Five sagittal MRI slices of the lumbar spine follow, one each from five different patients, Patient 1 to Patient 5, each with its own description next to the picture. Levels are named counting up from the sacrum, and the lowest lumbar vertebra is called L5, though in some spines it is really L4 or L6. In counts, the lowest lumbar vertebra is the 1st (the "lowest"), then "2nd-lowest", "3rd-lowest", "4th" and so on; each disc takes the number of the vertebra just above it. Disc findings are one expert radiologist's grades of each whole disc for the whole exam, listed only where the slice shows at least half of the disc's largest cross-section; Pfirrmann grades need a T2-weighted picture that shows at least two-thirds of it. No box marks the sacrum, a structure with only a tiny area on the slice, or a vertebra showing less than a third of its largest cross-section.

Patient 1 of 5:
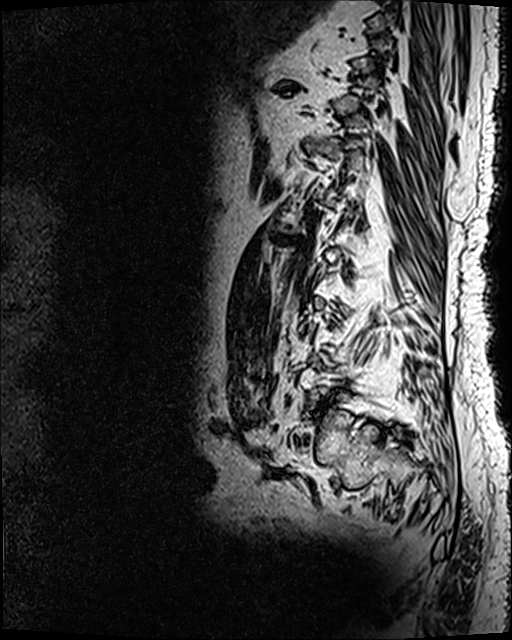 Lumbar spine MR, T2 SPACE (3D), sagittal

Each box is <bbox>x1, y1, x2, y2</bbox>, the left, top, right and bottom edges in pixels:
L1/L2 (5th disc) — <bbox>265, 231, 302, 245</bbox>.
T10/T11 (8th disc) — <bbox>278, 86, 295, 91</bbox>.

Patient 2 of 5:
Sagittal T1-weighted lumbar spine MRI; Sex M; 548x553 px
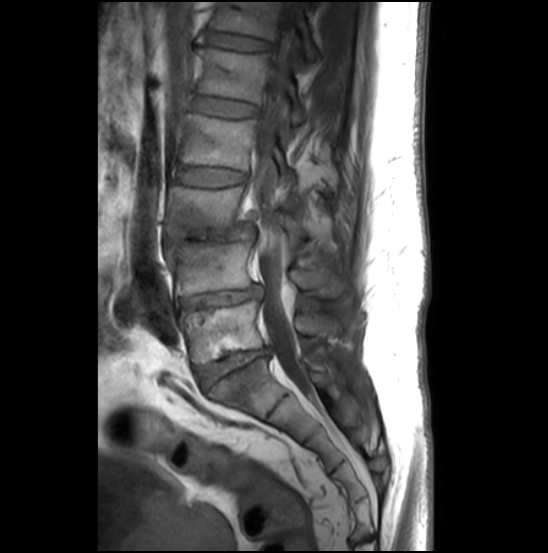 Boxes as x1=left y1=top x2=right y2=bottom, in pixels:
Intervertebral disc L2/L3 (4th disc) at x1=176 y1=168 x2=245 y2=186, L3/L4 (3rd-lowest disc) at x1=164 y1=223 x2=255 y2=250, intervertebral disc L4/L5 (2nd-lowest disc) at x1=180 y1=285 x2=262 y2=310, L1 (5th vertebra) at x1=198 y1=48 x2=307 y2=124, L4 (2nd-lowest vertebra) at x1=168 y1=242 x2=343 y2=296, L5 (lowest vertebra) at x1=181 y1=301 x2=338 y2=364, L3 (3rd-lowest vertebra) at x1=166 y1=186 x2=306 y2=243, L2 (4th vertebra) at x1=179 y1=114 x2=298 y2=199, L1/L2 (5th disc) at x1=193 y1=96 x2=257 y2=118, T12/L1 (6th disc) at x1=208 y1=32 x2=270 y2=50, intervertebral disc L5/S1 (lowest disc) at x1=197 y1=348 x2=268 y2=389, T12 (6th vertebra) at x1=211 y1=2 x2=320 y2=60, spinal canal at x1=250 y1=2 x2=304 y2=386.

Degenerative findings by level:
• L4/L5 (2nd-lowest disc): upper-endplate change, disc narrowing, disc bulging, Modic type II, lower-endplate change
• L5/S1 (lowest disc): upper-endplate change, Modic type II, disc bulging, disc narrowing, lower-endplate change
• L3/L4 (3rd-lowest disc): disc narrowing, disc herniation, upper-endplate change, spondylolisthesis, Modic type II, lower-endplate change
• L1/L2 (5th disc), L2/L3 (4th disc), T12/L1 (6th disc): no spondylolisthesis, narrowing, bulging, herniation, Modic or endplate change recorded

Patient 3 of 5:
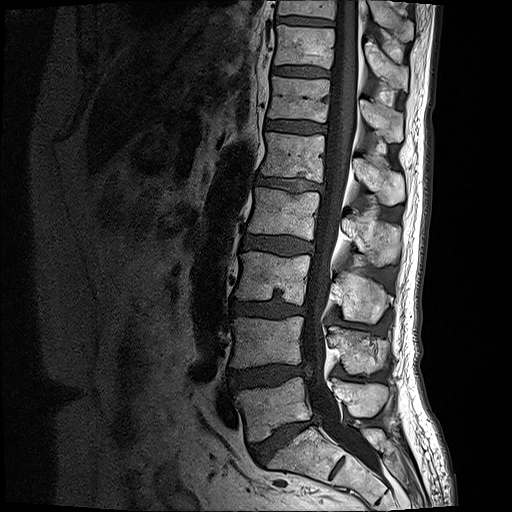 Lumbar spine MR, T1-weighted, sagittal
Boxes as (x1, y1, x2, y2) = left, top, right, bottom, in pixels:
{"L1": "(261, 131, 404, 204)", "intervertebral disc L3/L4": "(229, 300, 306, 318)", "intervertebral disc L4/L5": "(228, 363, 310, 390)", "L4 vertebra": "(231, 316, 388, 375)", "T11/T12": "(273, 67, 329, 76)", "T10/T11": "(276, 15, 332, 26)", "L1/L2": "(254, 175, 322, 190)", "intervertebral disc L2/L3": "(241, 233, 312, 255)", "L3": "(234, 251, 389, 322)", "intervertebral disc T12/L1": "(265, 121, 324, 133)", "intervertebral disc L5/S1": "(249, 416, 320, 465)", "T11": "(273, 25, 408, 90)", "T10 vertebra": "(277, 0, 413, 42)", "L5 vertebra": "(235, 377, 384, 441)", "thecal sac / spinal canal": "(302, 1, 376, 469)", "T12": "(268, 76, 403, 142)", "L2": "(249, 187, 400, 265)"}

Per-level radiological findings:
• L4/L5: disc bulging, disc herniation
• L5/S1: lower-endplate change, disc bulging, Modic type II, disc narrowing
• L3/L4: lower-endplate change, disc narrowing, Modic type II, disc bulging
• L1/L2: lower-endplate change, disc narrowing, disc bulging, Modic type II, upper-endplate change
• L2/L3: disc bulging
• T11/T12, T12/L1: no spondylolisthesis, narrowing, bulging, herniation, Modic or endplate change recorded

Patient 4 of 5:
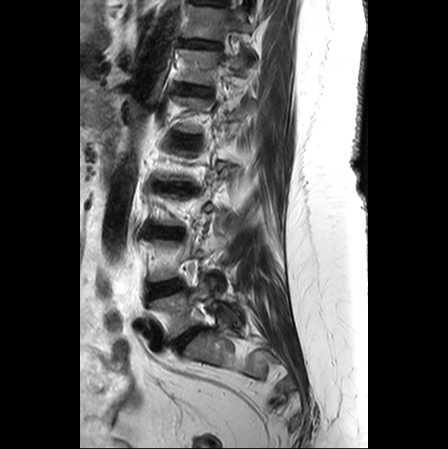 Lumbar spine MR, T2-weighted, sagittal; Sagittal slice index 17; Field of view 280x281 mm

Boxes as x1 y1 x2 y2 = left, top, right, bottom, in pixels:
L5/S1 — 173 327 199 350.
Disc L1/L2 — 176 136 195 144.
L4/L5 — 148 279 181 298.
T11 vertebra — 184 5 251 39.
L3/L4 — 153 228 179 236.
T11/T12 — 182 39 218 46.
T12 — 178 49 249 84.
L4 — 150 236 225 288.
L1 — 174 96 257 133.
L2/L3 — 161 184 191 192.
T12/L1 — 178 84 209 94.
L5 vertebra — 149 278 241 338.

Per-level radiological findings:
• L4/L5: upper-endplate change, Modic type II, disc bulging, lower-endplate change
• L2/L3: Modic type II, lower-endplate change, disc herniation, disc narrowing, upper-endplate change
• T11/T12: upper-endplate change
• T12/L1: upper-endplate change

Patient 5 of 5:
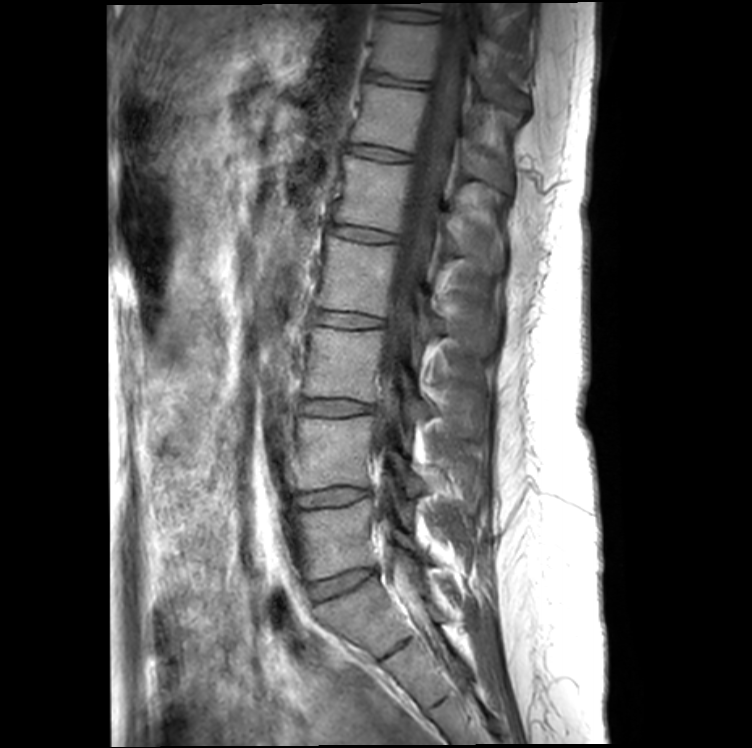

Image 752x748, Lumbar spine MR, T1-weighted, sagittal, Slice 13 of 21

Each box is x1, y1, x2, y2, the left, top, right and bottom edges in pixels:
Segmented structures:
- T11 at 371, 20, 528, 118
- T11/T12 at 366, 71, 429, 87
- T10 vertebra at 392, 3, 496, 29
- intervertebral disc L4/L5 at 296, 487, 370, 508
- L5 vertebra at 299, 500, 431, 579
- intervertebral disc T12/L1 at 348, 145, 410, 162
- L5/S1 at 309, 568, 376, 600
- L2 at 317, 237, 497, 353
- T10/T11 at 380, 9, 441, 22
- L2/L3 at 314, 311, 382, 327
- L3 vertebra at 304, 327, 483, 438
- L1 vertebra at 335, 155, 504, 273
- T12 at 351, 84, 512, 192
- thecal sac / spinal canal at 375, 3, 470, 523
- L4 vertebra at 298, 415, 475, 510
- L1/L2 at 330, 225, 397, 242
- L3/L4 at 301, 399, 374, 414

Per-level radiological findings:
  L5/S1: lower-endplate change
  T11/T12: lower-endplate change, disc bulging
  L4/L5, L3/L4, T10/T11, L2/L3, L1/L2, T12/L1: no Modic or endplate change, herniation, narrowing, bulging or spondylolisthesis recorded